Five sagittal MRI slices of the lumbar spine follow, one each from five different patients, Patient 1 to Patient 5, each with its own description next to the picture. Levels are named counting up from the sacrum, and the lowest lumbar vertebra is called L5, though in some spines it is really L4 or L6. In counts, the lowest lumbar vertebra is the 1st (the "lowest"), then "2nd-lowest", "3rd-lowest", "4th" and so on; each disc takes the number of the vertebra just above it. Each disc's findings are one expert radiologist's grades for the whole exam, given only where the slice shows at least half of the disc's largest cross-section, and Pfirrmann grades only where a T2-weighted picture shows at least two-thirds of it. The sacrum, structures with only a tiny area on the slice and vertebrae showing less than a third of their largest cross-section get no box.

Patient 1 of 5:
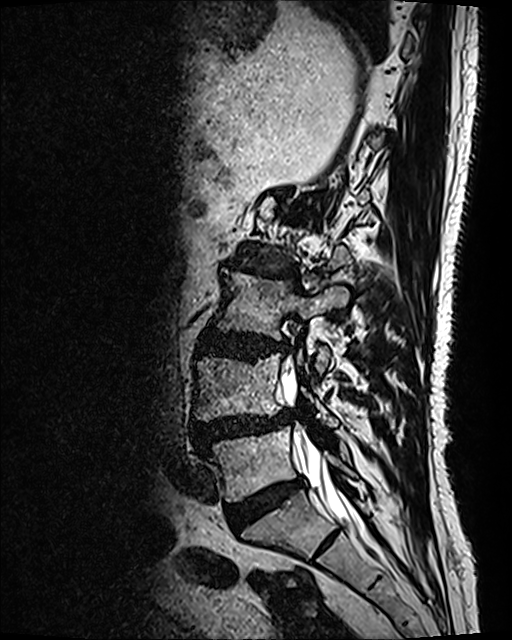
T2 SPACE (3D) sagittal MRI of the lumbar spine; Sagittal slice index 49; Sex M
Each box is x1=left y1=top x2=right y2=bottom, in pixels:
L5 (lowest vertebra) — x1=207 y1=426 x2=354 y2=501.
Disc L2/L3 (4th disc) — x1=245 y1=267 x2=295 y2=279.
L4 (2nd-lowest vertebra) — x1=194 y1=350 x2=336 y2=426.
L4/L5 (2nd-lowest disc) — x1=192 y1=414 x2=289 y2=451.
L3/L4 (3rd-lowest disc) — x1=199 y1=330 x2=286 y2=355.
L3 (3rd-lowest vertebra) — x1=215 y1=272 x2=349 y2=374.
L5/S1 (lowest disc) — x1=227 y1=477 x2=306 y2=524.
Spinal canal — x1=282 y1=374 x2=364 y2=530.

Expert MSK radiologist gradings (per disc):
  L5/S1 (lowest disc): Pfirrmann grade 4
  L4/L5 (2nd-lowest disc): Pfirrmann grade 4, Modic type II, disc bulging, upper-endplate change, spondylolisthesis, disc narrowing, lower-endplate change, disc herniation
  L3/L4 (3rd-lowest disc): Pfirrmann grade 4, lower-endplate change, disc bulging, upper-endplate change

Patient 2 of 5:
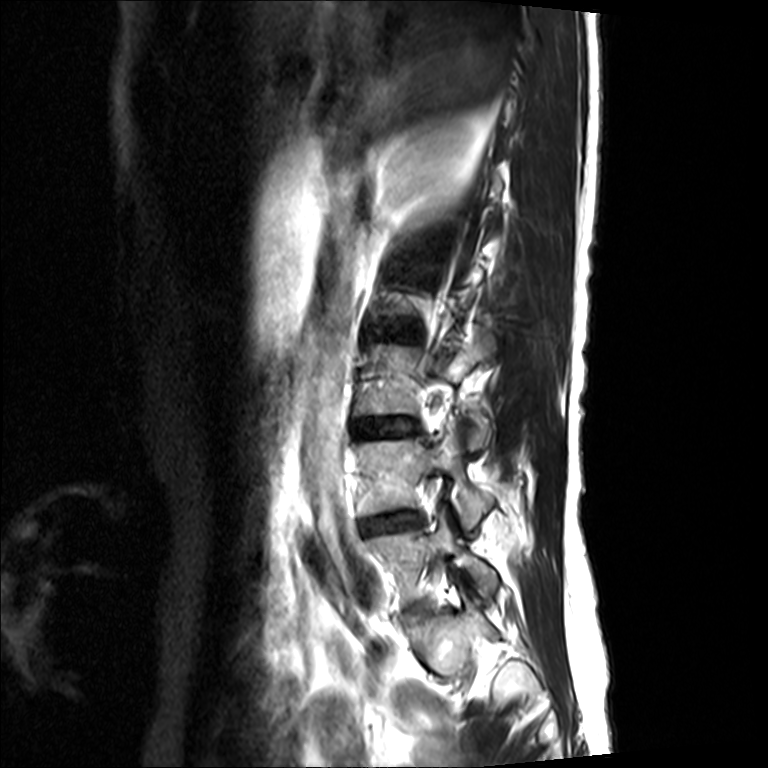 Lumbar spine MR, T2-weighted, sagittal. Field of view 280x280 mm, slice spacing 4.4 mm. Slice 3/15.

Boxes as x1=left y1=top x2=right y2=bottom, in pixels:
L4 (2nd-lowest vertebra): x1=359 y1=424 x2=492 y2=530.
Disc L4/L5 (2nd-lowest disc): x1=362 y1=512 x2=421 y2=533.
L3 (3rd-lowest vertebra): x1=361 y1=332 x2=497 y2=446.
Disc L2/L3 (4th disc): x1=388 y1=324 x2=415 y2=337.
L5 (lowest vertebra): x1=369 y1=508 x2=498 y2=597.
L3/L4 (3rd-lowest disc): x1=356 y1=417 x2=417 y2=436.

Radiological gradings:
- L3/L4 (3rd-lowest disc): Pfirrmann grade 4, disc bulging, disc narrowing
- L4/L5 (2nd-lowest disc): disc bulging, disc narrowing

Patient 3 of 5:
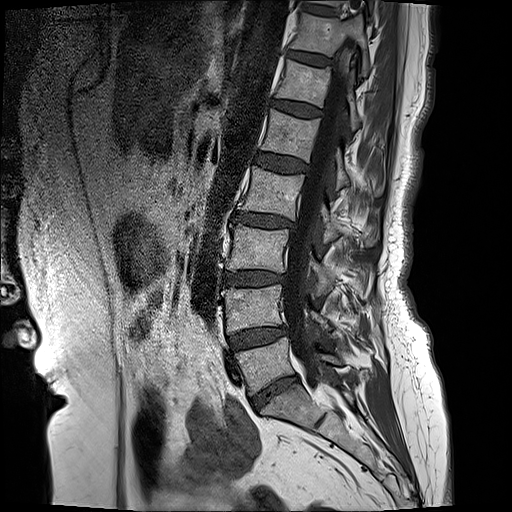

Sagittal slice index 6, Lumbar spine MR, T1-weighted, sagittal

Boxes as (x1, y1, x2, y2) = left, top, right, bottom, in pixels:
3rd-lowest vertebra: (227, 224, 333, 295).
6th vertebra: (276, 60, 360, 130).
7th disc: (290, 51, 332, 65).
5th disc: (254, 153, 306, 172).
2nd-lowest vertebra: (222, 285, 332, 333).
Lowest disc: (252, 378, 296, 411).
4th disc: (233, 213, 292, 227).
5th vertebra: (261, 110, 382, 197).
8th disc: (304, 2, 334, 15).
3rd-lowest disc: (221, 271, 285, 284).
4th vertebra: (238, 166, 375, 245).
6th disc: (271, 99, 322, 117).
Spinal canal: (282, 39, 353, 397).
Lowest vertebra: (235, 338, 341, 394).
2nd-lowest disc: (228, 326, 287, 350).
7th vertebra: (291, 13, 368, 76).

Per-level radiological findings:
  4th disc: upper-endplate change, Modic type II, disc bulging, lower-endplate change, disc narrowing
  lowest disc: disc narrowing, disc bulging
  3rd-lowest disc: disc bulging, lower-endplate change, disc narrowing, upper-endplate change, Modic type II
  2nd-lowest disc: disc bulging
  6th disc: disc bulging
  5th disc, 7th disc, 8th disc: no spondylolisthesis, narrowing, bulging, herniation, Modic or endplate change recorded

Patient 4 of 5:
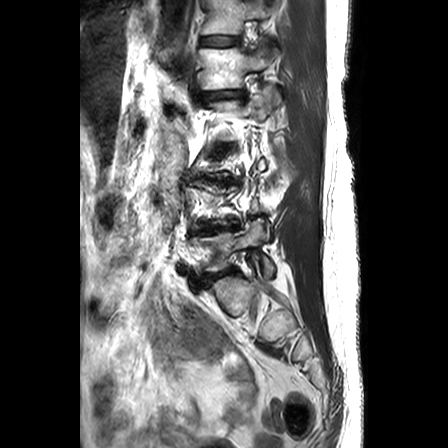

Sagittal T2-weighted lumbar spine MRI; Patient sex: F; Field of view 280x280 mm; Slice 19 of 24
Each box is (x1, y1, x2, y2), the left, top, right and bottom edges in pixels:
4th vertebra: (206, 86, 280, 140)
6th disc: (199, 35, 239, 45)
5th vertebra: (199, 42, 278, 89)
5th disc: (199, 90, 244, 99)
lowest vertebra: (193, 218, 274, 277)
lowest disc: (204, 267, 236, 284)
6th vertebra: (201, 0, 271, 34)
2nd-lowest disc: (200, 221, 239, 233)

Degenerative findings by level:
• 5th disc: Pfirrmann grade 2, disc bulging
• 2nd-lowest disc: Modic type II, disc bulging, disc narrowing, lower-endplate change, upper-endplate change
• 6th disc: Pfirrmann grade 1

Patient 5 of 5:
MRI lumbar spine (T1-weighted), sagittal plane; Slice 20/27 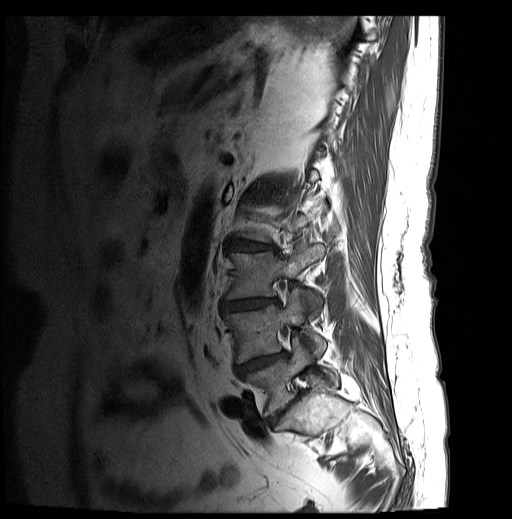 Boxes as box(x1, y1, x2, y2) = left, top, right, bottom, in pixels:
{"L5/S1 (lowest disc)": "box(266, 400, 294, 426)", "L5 (lowest vertebra)": "box(243, 338, 338, 416)", "disc L2/L3 (4th disc)": "box(230, 241, 276, 251)", "L3 (3rd-lowest vertebra)": "box(226, 242, 324, 314)", "L4/L5 (2nd-lowest disc)": "box(235, 351, 286, 375)", "L4 (2nd-lowest vertebra)": "box(225, 289, 326, 364)", "disc L3/L4 (3rd-lowest disc)": "box(222, 299, 279, 310)"}

Per-level radiological findings:
  L2/L3 (4th disc): Modic type II, disc narrowing, upper-endplate change, lower-endplate change, disc bulging
  L3/L4 (3rd-lowest disc): upper-endplate change, lower-endplate change, disc bulging, Modic type II, disc narrowing
  L4/L5 (2nd-lowest disc): lower-endplate change, upper-endplate change, Modic type II, disc bulging, disc narrowing